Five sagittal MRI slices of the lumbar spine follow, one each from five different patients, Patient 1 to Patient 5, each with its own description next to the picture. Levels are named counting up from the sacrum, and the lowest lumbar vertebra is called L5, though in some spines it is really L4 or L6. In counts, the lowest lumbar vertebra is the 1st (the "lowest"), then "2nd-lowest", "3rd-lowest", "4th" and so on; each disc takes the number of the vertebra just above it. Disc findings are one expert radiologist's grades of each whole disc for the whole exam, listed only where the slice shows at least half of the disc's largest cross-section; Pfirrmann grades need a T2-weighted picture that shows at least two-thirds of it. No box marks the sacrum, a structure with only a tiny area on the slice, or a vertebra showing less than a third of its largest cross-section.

Patient 1 of 5:
MRI lumbar spine (T2-weighted), sagittal plane; SIEMENS Avanto_fit (1.5T); 384x386 px 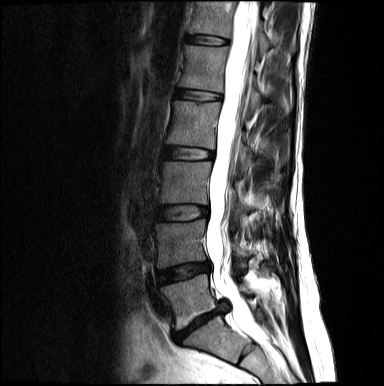

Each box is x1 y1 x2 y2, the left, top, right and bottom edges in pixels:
L1/L2 (5th disc) at 176 90 221 101.
L1 (5th vertebra) at 180 45 291 109.
L5/S1 (lowest disc) at 174 306 224 340.
Disc L2/L3 (4th disc) at 163 146 214 158.
L5 (lowest vertebra) at 161 274 252 330.
Disc L4/L5 (2nd-lowest disc) at 158 262 209 283.
Disc L3/L4 (3rd-lowest disc) at 156 206 207 220.
L4 (2nd-lowest vertebra) at 154 220 249 267.
Thecal sac / spinal canal at 206 1 266 343.
T12/L1 (6th disc) at 188 35 228 44.
L3 (3rd-lowest vertebra) at 159 162 251 208.
T12 (6th vertebra) at 189 1 272 53.
L2 (4th vertebra) at 167 100 252 156.

Per-level radiological findings:
- L4/L5 (2nd-lowest disc): Pfirrmann grade 4, disc bulging, disc narrowing
- L5/S1 (lowest disc): Pfirrmann grade 5, lower-endplate change, disc herniation, disc narrowing
- L2/L3 (4th disc): Pfirrmann grade 2
- T12/L1 (6th disc): Pfirrmann grade 2
- L1/L2 (5th disc): Pfirrmann grade 2, upper-endplate change
- L3/L4 (3rd-lowest disc): Pfirrmann grade 2

Patient 2 of 5:
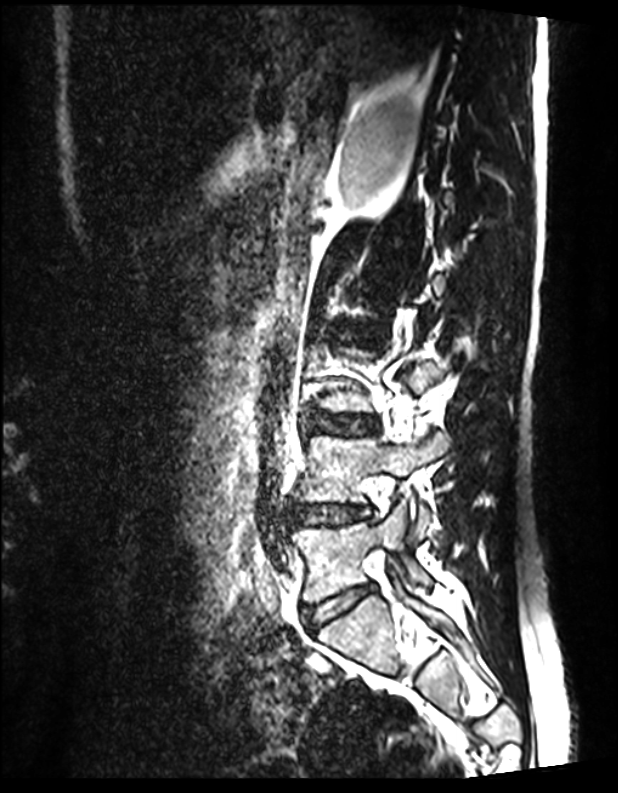

Slice 49 of 144; Patient sex: M; MRI lumbar spine (T2 SPACE (3D)), sagittal plane
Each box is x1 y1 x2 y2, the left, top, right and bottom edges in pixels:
IVD L4/L5 (2nd-lowest disc): 292 505 368 524.
L5/S1 (lowest disc): 304 585 374 629.
IVD L2/L3 (4th disc): 339 328 363 340.
L4 (2nd-lowest vertebra): 298 433 447 540.
L3/L4 (3rd-lowest disc): 310 413 377 435.
L5 (lowest vertebra): 292 505 430 602.

Per-level radiological findings:
- L3/L4 (3rd-lowest disc), L5/S1 (lowest disc), L4/L5 (2nd-lowest disc): no herniation, bulging, narrowing, spondylolisthesis, endplate or Modic change recorded

Patient 3 of 5:
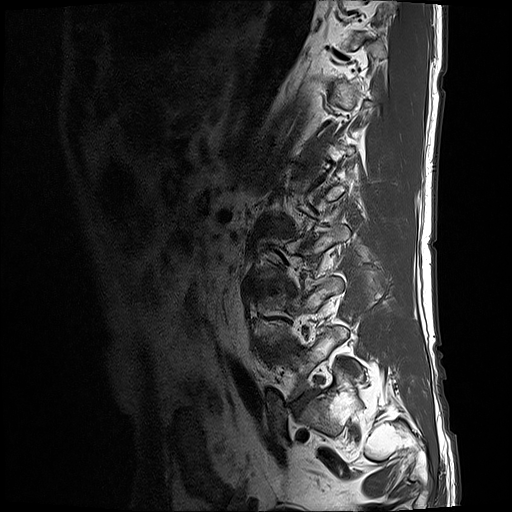 Patient sex: M; MRI lumbar spine (T1-weighted), sagittal plane; Field of view 300x300 mm
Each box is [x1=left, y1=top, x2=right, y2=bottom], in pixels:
L5: [x1=274, y1=327, x2=357, y2=402]
L1/L2: [x1=292, y1=165, x2=302, y2=170]
L3/L4: [x1=249, y1=279, x2=294, y2=295]
intervertebral disc L4/L5: [x1=262, y1=339, x2=301, y2=361]
L2/L3: [x1=261, y1=218, x2=292, y2=230]
L4 vertebra: [x1=258, y1=277, x2=341, y2=345]
L5/S1: [x1=291, y1=390, x2=318, y2=415]

Per-level radiological findings:
  L4/L5: Modic type II, disc bulging
  L3/L4: disc bulging, disc narrowing, Modic type II

Patient 4 of 5:
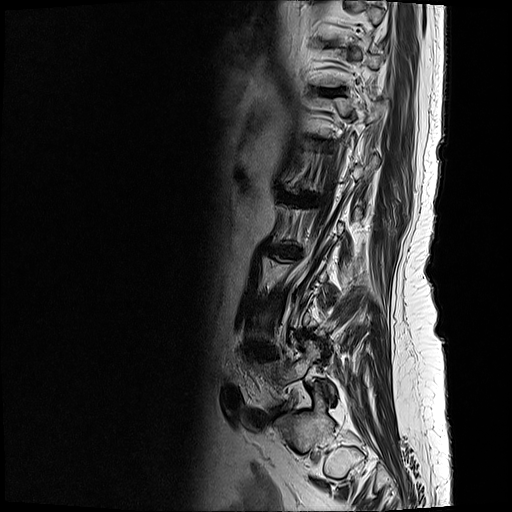 MRI lumbar spine (T2-weighted), sagittal plane, Slice 3 of 21

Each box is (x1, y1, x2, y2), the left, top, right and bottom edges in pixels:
Structures:
• L5 (lowest vertebra) = (262, 340, 334, 406)
• IVD L1/L2 (5th disc) = (289, 196, 318, 205)
• IVD T11/T12 (7th disc) = (326, 91, 339, 94)
• L2/L3 (4th disc) = (274, 247, 297, 256)

Patient 5 of 5:
Patient sex: F | MRI lumbar spine (T2-weighted), sagittal plane
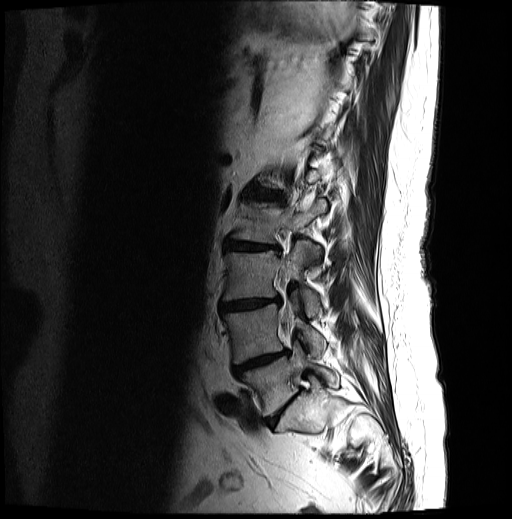
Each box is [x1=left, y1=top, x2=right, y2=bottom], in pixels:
Segmented structures:
• IVD L4/L5 (2nd-lowest disc) — [x1=232, y1=350, x2=289, y2=375]
• L5/S1 (lowest disc) — [x1=264, y1=398, x2=294, y2=426]
• L5 (lowest vertebra) — [x1=239, y1=344, x2=339, y2=416]
• IVD L1/L2 (5th disc) — [x1=250, y1=187, x2=284, y2=205]
• L3 (3rd-lowest vertebra) — [x1=223, y1=241, x2=320, y2=317]
• IVD L2/L3 (4th disc) — [x1=225, y1=242, x2=279, y2=250]
• L4 (2nd-lowest vertebra) — [x1=223, y1=302, x2=326, y2=364]
• L2 (4th vertebra) — [x1=231, y1=198, x2=327, y2=260]
• L3/L4 (3rd-lowest disc) — [x1=219, y1=297, x2=280, y2=312]

Per-level radiological findings:
• L4/L5 (2nd-lowest disc): Pfirrmann grade 5, Modic type II, lower-endplate change, disc narrowing, upper-endplate change, disc bulging
• L3/L4 (3rd-lowest disc): Pfirrmann grade 4, disc bulging, Modic type II, disc narrowing, upper-endplate change, lower-endplate change
• L2/L3 (4th disc): Pfirrmann grade 4, Modic type II, disc narrowing, upper-endplate change, disc bulging, lower-endplate change
• L1/L2 (5th disc): Pfirrmann grade 4, disc bulging, lower-endplate change, upper-endplate change, Modic type II, disc narrowing